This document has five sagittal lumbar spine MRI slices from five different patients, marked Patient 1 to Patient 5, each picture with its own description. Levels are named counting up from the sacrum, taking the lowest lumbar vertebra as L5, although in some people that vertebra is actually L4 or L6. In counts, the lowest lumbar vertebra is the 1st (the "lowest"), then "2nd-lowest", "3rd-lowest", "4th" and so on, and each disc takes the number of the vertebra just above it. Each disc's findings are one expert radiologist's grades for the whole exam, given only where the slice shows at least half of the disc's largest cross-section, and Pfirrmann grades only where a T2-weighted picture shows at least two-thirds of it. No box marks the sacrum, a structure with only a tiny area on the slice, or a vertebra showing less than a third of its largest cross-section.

Patient 1 of 5:
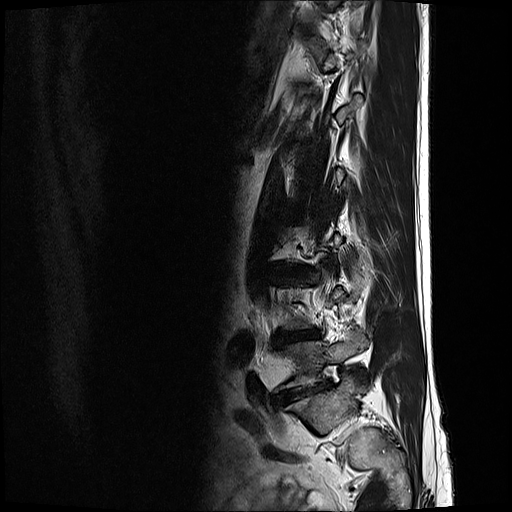 Sagittal T2-weighted lumbar spine MRI | Slice 1/17 | 512x512 px

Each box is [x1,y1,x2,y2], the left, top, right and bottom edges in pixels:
L5 (lowest vertebra) = [274,333,366,392].
T11/T12 (7th disc) = [297,27,312,33].
L4/L5 (2nd-lowest disc) = [278,330,321,342].
IVD L5/S1 (lowest disc) = [276,383,329,402].

Expert MSK radiologist gradings (per disc):
  L4/L5 (2nd-lowest disc): lower-endplate change, Modic type II, disc bulging, disc narrowing

Patient 2 of 5:
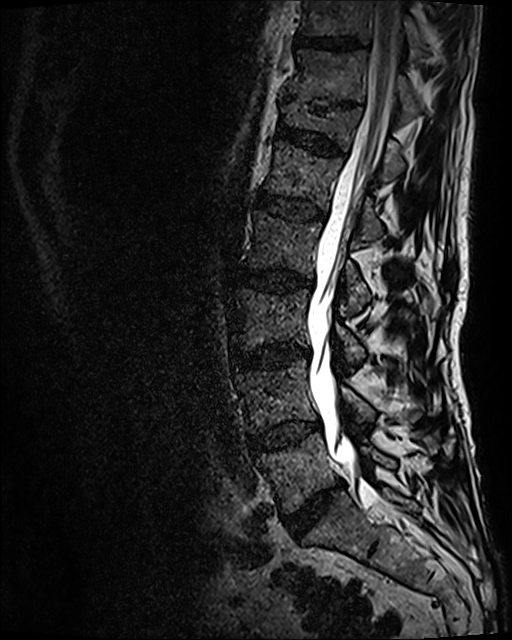 Slice 68 of 120. T2 SPACE (3D) sagittal MRI of the lumbar spine. Field of view 240x300 mm.
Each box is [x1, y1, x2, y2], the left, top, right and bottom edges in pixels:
Structures:
* lowest vertebra — [256, 432, 437, 513]
* 7th disc — [310, 100, 349, 110]
* 3rd-lowest vertebra — [230, 289, 365, 369]
* 3rd-lowest disc — [233, 346, 309, 368]
* 8th disc — [295, 36, 359, 49]
* 6th disc — [276, 125, 343, 154]
* 5th disc — [257, 192, 325, 220]
* 2nd-lowest disc — [248, 422, 319, 453]
* 5th vertebra — [265, 140, 382, 241]
* 6th vertebra — [280, 102, 404, 179]
* 7th vertebra — [286, 50, 422, 116]
* 2nd-lowest vertebra — [235, 359, 419, 433]
* lowest disc — [284, 483, 342, 538]
* 4th disc — [236, 269, 313, 291]
* 4th vertebra — [246, 211, 372, 316]
* spinal canal — [307, 0, 417, 529]
* 8th vertebra — [302, 0, 464, 72]

Radiological gradings:
- 3rd-lowest disc: Pfirrmann grade 4, disc narrowing, disc bulging, Modic type II
- 5th disc: Pfirrmann grade 3
- lowest disc: Pfirrmann grade 4, disc bulging, disc narrowing
- 4th disc: Pfirrmann grade 3, disc bulging, Modic type II
- 2nd-lowest disc: Pfirrmann grade 3, disc bulging, Modic type II
- 6th disc: Pfirrmann grade 3, upper-endplate change, lower-endplate change
- 8th disc: Pfirrmann grade 3
- 7th disc: Pfirrmann grade 5, lower-endplate change, disc narrowing, upper-endplate change

Patient 3 of 5:
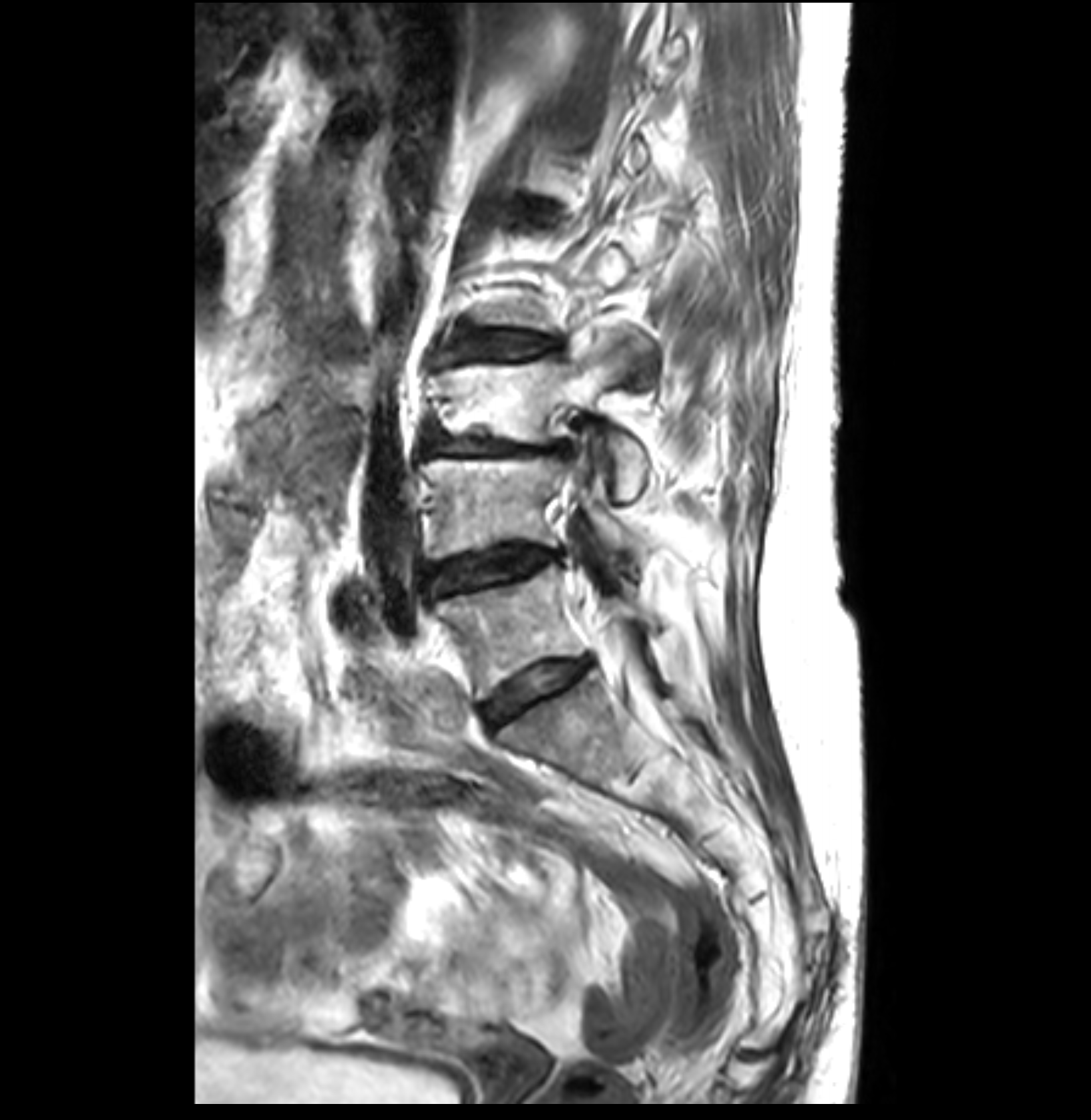 T2-weighted sagittal MRI of the lumbar spine | Slice 14 of 35
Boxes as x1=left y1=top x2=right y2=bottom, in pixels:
5th disc = x1=521 y1=202 x2=560 y2=226.
Lowest vertebra = x1=436 y1=564 x2=657 y2=699.
3rd-lowest disc = x1=424 y1=425 x2=564 y2=455.
4th disc = x1=439 y1=329 x2=555 y2=362.
2nd-lowest vertebra = x1=421 y1=455 x2=647 y2=558.
3rd-lowest vertebra = x1=441 y1=334 x2=647 y2=504.
Lowest disc = x1=482 y1=657 x2=589 y2=727.
2nd-lowest disc = x1=424 y1=543 x2=562 y2=594.

Expert MSK radiologist gradings (per disc):
  lowest disc: Pfirrmann grade 3, disc bulging
  4th disc: Pfirrmann grade 3, Modic type II, disc bulging
  2nd-lowest disc: Pfirrmann grade 3, disc bulging, Modic type II, disc narrowing

Patient 4 of 5:
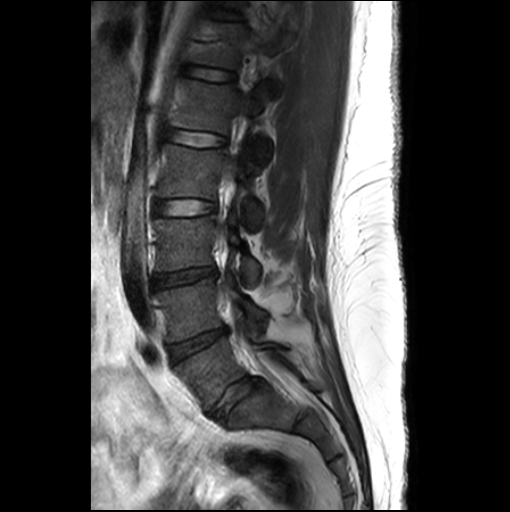

Sagittal T2-weighted lumbar spine MRI, Sagittal slice index 9
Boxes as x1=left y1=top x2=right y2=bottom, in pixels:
T12: x1=193 y1=24 x2=247 y2=68.
L3 vertebra: x1=154 y1=216 x2=259 y2=283.
Disc L2/L3: x1=154 y1=199 x2=215 y2=215.
Disc T12/L1: x1=182 y1=66 x2=234 y2=81.
L4 vertebra: x1=156 y1=277 x2=265 y2=341.
Disc L5/S1: x1=210 y1=377 x2=262 y2=418.
Disc L4/L5: x1=169 y1=327 x2=228 y2=362.
L3/L4: x1=152 y1=267 x2=216 y2=288.
L1/L2: x1=166 y1=130 x2=225 y2=146.
L2: x1=156 y1=144 x2=263 y2=227.
L1: x1=171 y1=80 x2=271 y2=163.
L5 vertebra: x1=174 y1=337 x2=286 y2=410.

Expert MSK radiologist gradings (per disc):
• L5/S1: Pfirrmann grade 3, disc bulging
• L2/L3: Pfirrmann grade 1
• T12/L1: Pfirrmann grade 1
• L3/L4: Pfirrmann grade 3, disc bulging, disc narrowing
• L1/L2: Pfirrmann grade 1
• L4/L5: Pfirrmann grade 3, disc bulging, disc narrowing

Patient 5 of 5:
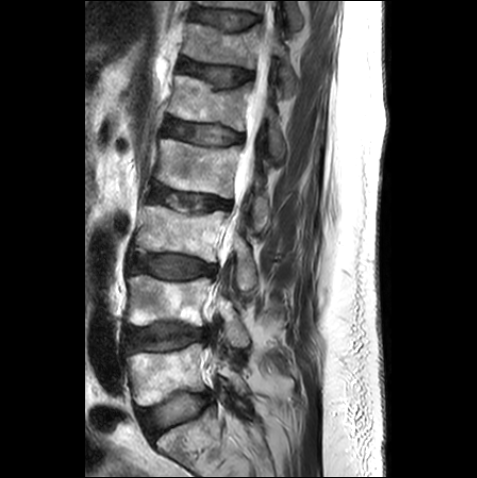
Sagittal T2-weighted lumbar spine MRI | Field of view 280x281 mm, slice spacing 3.3 mm

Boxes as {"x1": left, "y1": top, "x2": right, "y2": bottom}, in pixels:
L2 vertebra: {"x1": 155, "y1": 139, "x2": 269, "y2": 231}.
L1: {"x1": 169, "y1": 75, "x2": 284, "y2": 160}.
T11 vertebra: {"x1": 197, "y1": 0, "x2": 302, "y2": 31}.
Intervertebral disc L2/L3: {"x1": 149, "y1": 185, "x2": 230, "y2": 214}.
L3/L4: {"x1": 131, "y1": 255, "x2": 215, "y2": 278}.
Thecal sac / spinal canal: {"x1": 214, "y1": 38, "x2": 269, "y2": 310}.
Intervertebral disc L4/L5: {"x1": 127, "y1": 322, "x2": 206, "y2": 351}.
L3 vertebra: {"x1": 134, "y1": 205, "x2": 255, "y2": 296}.
L4: {"x1": 127, "y1": 275, "x2": 248, "y2": 347}.
L5: {"x1": 127, "y1": 343, "x2": 245, "y2": 405}.
T12: {"x1": 183, "y1": 23, "x2": 297, "y2": 95}.
Intervertebral disc T12/L1: {"x1": 180, "y1": 60, "x2": 251, "y2": 86}.
Intervertebral disc L1/L2: {"x1": 164, "y1": 120, "x2": 243, "y2": 144}.
Intervertebral disc L5/S1: {"x1": 137, "y1": 392, "x2": 209, "y2": 439}.
T11/T12: {"x1": 191, "y1": 8, "x2": 258, "y2": 29}.

Per-level radiological findings:
- L4/L5: Pfirrmann grade 2, lower-endplate change
- T12/L1: Pfirrmann grade 3, upper-endplate change
- L5/S1: Pfirrmann grade 1
- T11/T12: Pfirrmann grade 2
- L3/L4: Pfirrmann grade 2
- L2/L3: Pfirrmann grade 3, upper-endplate change
- L1/L2: Pfirrmann grade 3